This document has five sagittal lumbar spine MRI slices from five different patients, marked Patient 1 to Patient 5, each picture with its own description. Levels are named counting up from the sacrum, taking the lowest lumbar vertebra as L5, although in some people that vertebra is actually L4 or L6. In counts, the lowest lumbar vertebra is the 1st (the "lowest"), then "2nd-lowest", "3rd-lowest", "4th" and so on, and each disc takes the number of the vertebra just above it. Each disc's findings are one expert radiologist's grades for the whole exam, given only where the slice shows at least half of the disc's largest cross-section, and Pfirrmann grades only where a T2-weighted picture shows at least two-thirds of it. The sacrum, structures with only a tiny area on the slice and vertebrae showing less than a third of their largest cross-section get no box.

Patient 1 of 5:
MRI lumbar spine (T1-weighted), sagittal plane | 320x320 px | Sex M | Field of view 340x340 mm

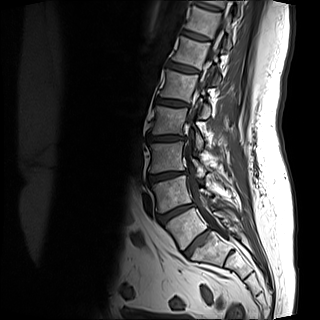
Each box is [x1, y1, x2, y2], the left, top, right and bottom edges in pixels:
4th vertebra at [149, 106, 203, 149], thecal sac / spinal canal at [185, 16, 228, 240], 5th vertebra at [160, 69, 210, 118], 5th disc at [156, 98, 189, 106], 4th disc at [147, 135, 185, 142], 2nd-lowest disc at [156, 203, 195, 225], lowest disc at [182, 229, 209, 257], 6th disc at [167, 62, 199, 73], 8th vertebra at [197, 0, 239, 15], 2nd-lowest vertebra at [150, 175, 211, 213], 7th disc at [183, 30, 208, 40], 7th vertebra at [186, 6, 231, 49], 8th disc at [195, 2, 220, 11], 3rd-lowest vertebra at [148, 141, 205, 176], 3rd-lowest disc at [148, 170, 187, 184], 6th vertebra at [172, 36, 221, 84], lowest vertebra at [165, 208, 236, 249].

Radiological gradings:
• lowest disc: lower-endplate change
• 2nd-lowest disc: disc bulging, disc narrowing
• 4th disc: disc bulging, disc narrowing
• 3rd-lowest disc: disc bulging, disc narrowing
• 6th disc, 5th disc, 7th disc, 8th disc: no herniation, bulging, narrowing, spondylolisthesis, endplate or Modic change recorded

Patient 2 of 5:
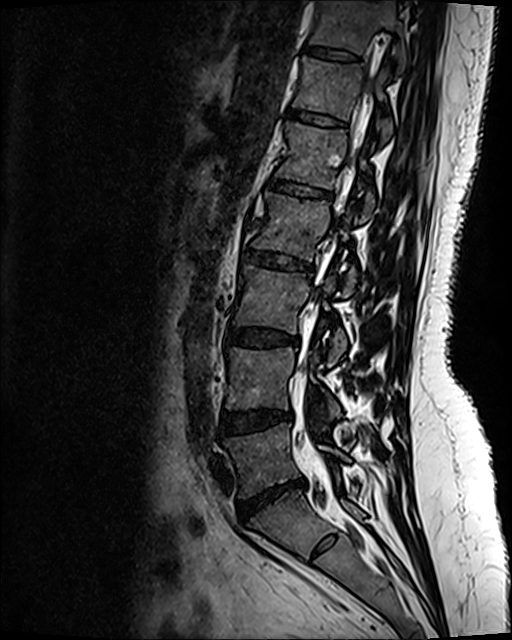 Sex F, Sagittal T2 SPACE (3D) lumbar spine MRI, Sagittal slice index 47
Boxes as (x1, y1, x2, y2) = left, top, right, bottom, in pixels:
L2/L3 = (244, 252, 313, 275).
IVD L4/L5 = (220, 411, 291, 435).
L4 vertebra = (227, 348, 342, 418).
L2 = (252, 192, 357, 295).
L5/S1 = (238, 482, 304, 521).
T12 vertebra = (293, 58, 392, 141).
L3/L4 = (227, 330, 299, 348).
Thecal sac / spinal canal = (332, 87, 372, 243).
L5 vertebra = (225, 425, 350, 497).
T11 vertebra = (310, 2, 406, 70).
L1/L2 = (269, 181, 329, 197).
L3 vertebra = (233, 266, 346, 365).
IVD T11/T12 = (303, 48, 359, 63).
IVD T12/L1 = (286, 110, 345, 129).
L1 vertebra = (276, 123, 377, 217).

Per-level radiological findings:
  L5/S1: Pfirrmann grade 1, disc herniation, disc narrowing, disc bulging
  L2/L3: Pfirrmann grade 4, lower-endplate change, upper-endplate change, disc bulging
  L1/L2: Pfirrmann grade 2, lower-endplate change, upper-endplate change
  L4/L5: Pfirrmann grade 2, disc bulging
  T11/T12: Pfirrmann grade 2
  L3/L4: Pfirrmann grade 2, disc bulging
  T12/L1: Pfirrmann grade 2, lower-endplate change, upper-endplate change

Patient 3 of 5:
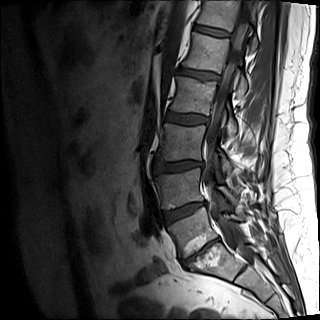
T1-weighted sagittal MRI of the lumbar spine. Slice 6/15.
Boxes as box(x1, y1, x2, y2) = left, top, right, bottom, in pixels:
Thecal sac / spinal canal at box(205, 0, 254, 263); L2 at box(171, 76, 236, 136); L1/L2 at box(177, 67, 219, 80); IVD L3/L4 at box(156, 161, 203, 171); L4 at box(157, 168, 235, 209); IVD L4/L5 at box(166, 202, 205, 223); IVD L2/L3 at box(166, 112, 207, 124); T12 at box(198, 0, 259, 51); L1 at box(183, 32, 247, 97); L3 at box(158, 123, 231, 173); L5 at box(168, 207, 241, 257); T12/L1 at box(194, 24, 229, 37); L5/S1 at box(182, 238, 218, 265).

Radiological gradings:
• L1/L2: upper-endplate change
• L4/L5: disc narrowing, disc bulging, lower-endplate change
• L5/S1: Modic type II, upper-endplate change, disc bulging, disc narrowing, lower-endplate change
• L3/L4: disc bulging
• L2/L3, T12/L1: no Modic or endplate change, herniation, narrowing, bulging or spondylolisthesis recorded

Patient 4 of 5:
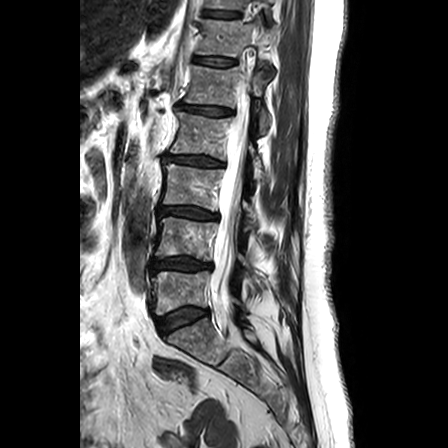 Slice 11 of 24. Lumbar spine MR, T2-weighted, sagittal.
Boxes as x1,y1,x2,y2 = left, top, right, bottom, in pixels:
L1 — 185,65,269,130.
L3 — 163,164,256,229.
L5/S1 — 158,307,208,333.
Thecal sac / spinal canal — 210,78,249,335.
L1/L2 — 180,104,231,115.
Intervertebral disc T12/L1 — 195,57,235,66.
L2 vertebra — 170,112,265,180.
L4/L5 — 151,257,210,273.
Intervertebral disc L2/L3 — 164,154,223,166.
L3/L4 — 159,206,217,219.
T12 vertebra — 197,19,274,56.
T11/T12 — 203,10,238,17.
L4 vertebra — 154,217,254,280.
T11 vertebra — 206,0,245,9.
L5 vertebra — 152,270,239,314.

Per-level radiological findings:
  L1/L2: Pfirrmann grade 3, disc narrowing, disc bulging
  L4/L5: Pfirrmann grade 3, Modic type II, lower-endplate change, upper-endplate change, disc bulging
  L2/L3: Pfirrmann grade 3, lower-endplate change, disc bulging, Modic type II, disc narrowing, upper-endplate change
  L5/S1: Pfirrmann grade 2, lower-endplate change, Modic type II, upper-endplate change
  T12/L1: Pfirrmann grade 1
  L3/L4: Pfirrmann grade 3, Modic type II, lower-endplate change, upper-endplate change, disc narrowing, disc bulging
  T11/T12: no spondylolisthesis, narrowing, bulging, herniation, Modic or endplate change recorded

Patient 5 of 5:
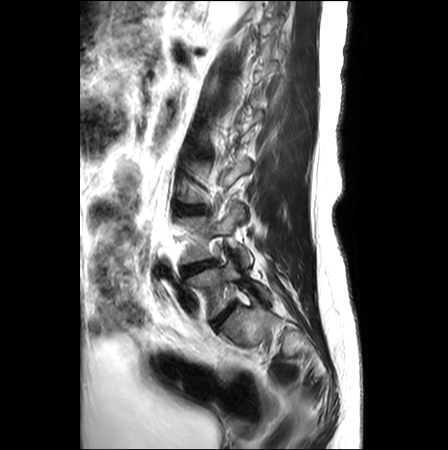 Sagittal T2-weighted lumbar spine MRI. Slice 20 of 26. 448x450 px.
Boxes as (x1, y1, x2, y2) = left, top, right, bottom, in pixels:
L4 vertebra = (176, 203, 252, 266) | L5/S1 = (212, 304, 234, 327) | IVD L4/L5 = (182, 261, 215, 276) | L5 vertebra = (186, 261, 271, 318)

Degenerative findings by level:
- L4/L5: Modic type II, disc herniation, upper-endplate change, disc narrowing, lower-endplate change